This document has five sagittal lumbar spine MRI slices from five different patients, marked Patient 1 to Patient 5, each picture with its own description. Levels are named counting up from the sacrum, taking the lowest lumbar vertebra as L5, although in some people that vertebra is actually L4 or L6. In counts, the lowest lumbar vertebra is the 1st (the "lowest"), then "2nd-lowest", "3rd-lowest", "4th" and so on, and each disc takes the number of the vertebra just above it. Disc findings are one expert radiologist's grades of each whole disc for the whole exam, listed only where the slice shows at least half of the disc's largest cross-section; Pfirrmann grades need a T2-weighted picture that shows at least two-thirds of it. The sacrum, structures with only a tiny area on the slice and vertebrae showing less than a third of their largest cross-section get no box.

Patient 1 of 5:
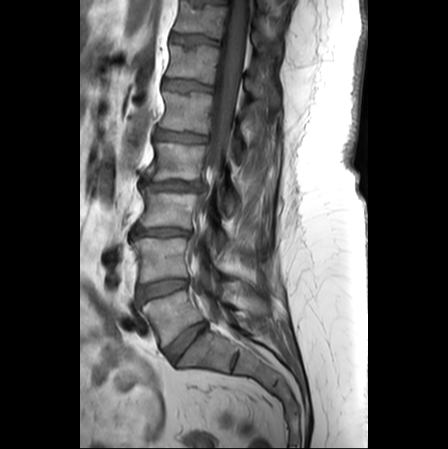 Slice 14/25 | Lumbar spine MR, T1-weighted, sagittal

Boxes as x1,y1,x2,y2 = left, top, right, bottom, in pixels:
L1 (5th vertebra) at 158,92,243,160; T11/T12 (7th disc) at 171,34,217,44; thecal sac / spinal canal at 192,0,246,321; L2 (4th vertebra) at 147,142,239,215; intervertebral disc T12/L1 (6th disc) at 162,79,211,91; L4 (2nd-lowest vertebra) at 132,238,235,282; intervertebral disc L1/L2 (5th disc) at 154,129,206,141; L4/L5 (2nd-lowest disc) at 138,279,187,301; L3/L4 (3rd-lowest disc) at 132,227,191,240; L3 (3rd-lowest vertebra) at 140,186,226,249; T12 (6th vertebra) at 166,45,280,108; T11 (7th vertebra) at 174,2,280,57; L5/S1 (lowest disc) at 166,322,206,362; L5 (lowest vertebra) at 142,290,237,346; intervertebral disc L2/L3 (4th disc) at 140,178,203,190.

Expert MSK radiologist gradings (per disc):
- L3/L4 (3rd-lowest disc): upper-endplate change, lower-endplate change, disc narrowing, disc bulging
- L4/L5 (2nd-lowest disc): lower-endplate change, upper-endplate change, disc bulging, Modic type II
- L1/L2 (5th disc): disc bulging
- T12/L1 (6th disc): upper-endplate change
- T11/T12 (7th disc): upper-endplate change
- L5/S1 (lowest disc): disc bulging
- L2/L3 (4th disc): disc narrowing, upper-endplate change, Modic type II, lower-endplate change, disc herniation

Patient 2 of 5:
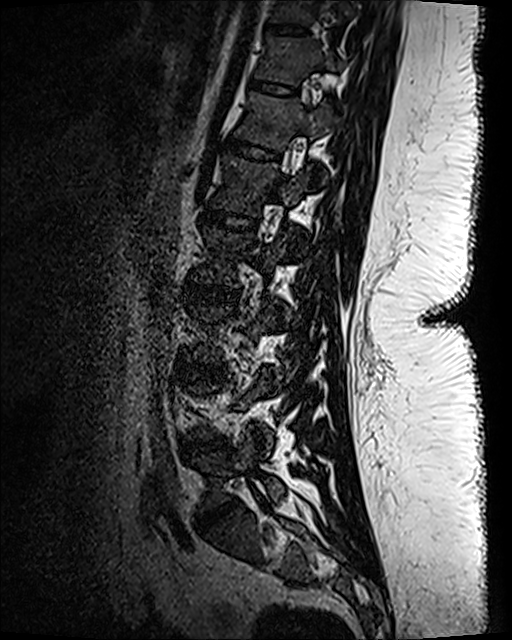 512x640 px, T2 SPACE (3D) sagittal MRI of the lumbar spine
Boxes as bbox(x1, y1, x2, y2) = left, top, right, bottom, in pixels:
Structures:
- 4th disc: bbox(186, 282, 239, 306)
- 3rd-lowest disc: bbox(178, 364, 225, 380)
- 6th vertebra: bbox(237, 93, 331, 148)
- 2nd-lowest disc: bbox(183, 438, 227, 455)
- 7th disc: bbox(248, 78, 299, 95)
- 5th vertebra: bbox(210, 152, 310, 216)
- lowest vertebra: bbox(198, 428, 284, 511)
- lowest disc: bbox(198, 499, 239, 530)
- 6th disc: bbox(222, 136, 282, 163)
- 7th vertebra: bbox(256, 36, 336, 83)
- 5th disc: bbox(201, 210, 258, 230)
- 8th disc: bbox(267, 25, 306, 35)
- 8th vertebra: bbox(270, 0, 350, 26)

Radiological gradings:
• 6th disc: Pfirrmann grade 1
• 7th disc: Pfirrmann grade 1
• 8th disc, 4th disc, 5th disc: no herniation, bulging, narrowing, spondylolisthesis, endplate or Modic change recorded

Patient 3 of 5:
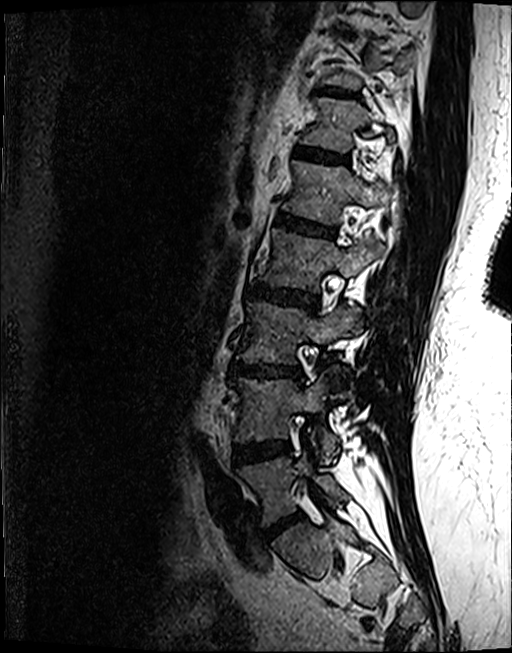 Image 512x653. Lumbar spine MR, T2 SPACE (3D), sagittal.

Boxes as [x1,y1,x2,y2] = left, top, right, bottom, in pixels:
Disc L4/L5 at [232,440,289,463].
L5 vertebra at [236,451,348,524].
L4 at [230,378,338,463].
L3 vertebra at [237,300,356,364].
Disc L1/L2 at [276,213,334,235].
L2 vertebra at [259,228,383,290].
T12 at [298,97,397,152].
Disc L2/L3 at [250,283,318,310].
Disc L5/S1 at [264,513,301,539].
T12/L1 at [295,146,348,162].
Disc T10/T11 at [333,28,352,34].
T11/T12 at [316,86,359,96].
Disc L3/L4 at [232,363,301,377].
T11 at [319,37,415,88].
L1 vertebra at [281,159,389,223].

Per-level radiological findings:
• L2/L3: Pfirrmann grade 4, lower-endplate change, upper-endplate change, disc bulging
• L1/L2: Pfirrmann grade 4, lower-endplate change, Modic type II, upper-endplate change
• L4/L5: Pfirrmann grade 4, disc bulging, lower-endplate change, Modic type II
• T12/L1: lower-endplate change, upper-endplate change
• L3/L4: Pfirrmann grade 4, disc narrowing, disc bulging, upper-endplate change, lower-endplate change, Modic type II

Patient 4 of 5:
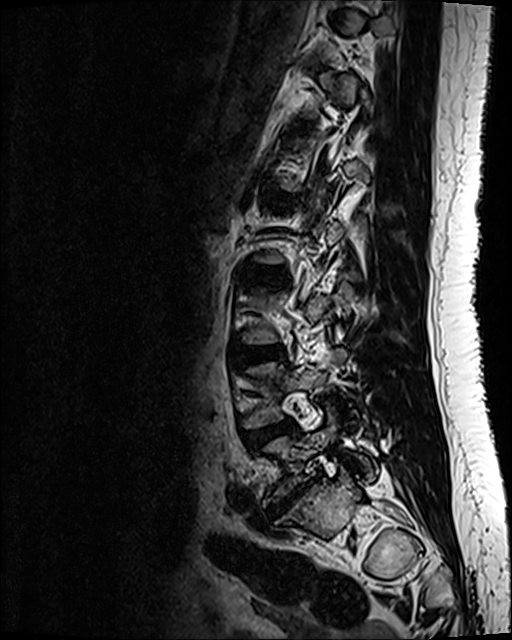

512x640 px; Sagittal T2 SPACE (3D) lumbar spine MRI
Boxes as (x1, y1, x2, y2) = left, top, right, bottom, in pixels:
Annotations:
- L2/L3 — (245, 268, 283, 279)
- L3/L4 — (232, 347, 282, 364)
- L4/L5 — (245, 422, 294, 445)
- IVD L5/S1 — (271, 486, 307, 515)
- L5 — (264, 409, 374, 504)
- L4 vertebra — (245, 350, 345, 426)

Degenerative findings by level:
- L3/L4: disc bulging

Patient 5 of 5:
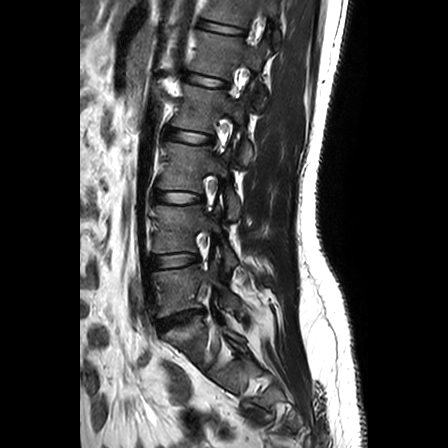

Field of view 280x280 mm, slice spacing 3.3 mm; Lumbar spine MR, T2-weighted, sagittal; Sex M
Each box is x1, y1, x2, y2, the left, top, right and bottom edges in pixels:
{"intervertebral disc L1/L2": "184, 72, 229, 87", "intervertebral disc L5/S1": "158, 311, 200, 331", "L5": "153, 252, 239, 317", "L4 vertebra": "153, 205, 238, 271", "intervertebral disc L4/L5": "152, 254, 198, 267", "L1 vertebra": "190, 31, 267, 110", "L3": "159, 143, 240, 219", "L2 vertebra": "172, 85, 252, 164", "L2/L3": "166, 129, 213, 143", "L3/L4": "154, 191, 203, 202", "T12/L1": "200, 20, 244, 35", "T12 vertebra": "203, 0, 279, 38"}

Degenerative findings by level:
• L4/L5: Pfirrmann grade 1
• L3/L4: Pfirrmann grade 1
• L2/L3: Pfirrmann grade 1
• T12/L1: Pfirrmann grade 1
• L1/L2: Pfirrmann grade 1